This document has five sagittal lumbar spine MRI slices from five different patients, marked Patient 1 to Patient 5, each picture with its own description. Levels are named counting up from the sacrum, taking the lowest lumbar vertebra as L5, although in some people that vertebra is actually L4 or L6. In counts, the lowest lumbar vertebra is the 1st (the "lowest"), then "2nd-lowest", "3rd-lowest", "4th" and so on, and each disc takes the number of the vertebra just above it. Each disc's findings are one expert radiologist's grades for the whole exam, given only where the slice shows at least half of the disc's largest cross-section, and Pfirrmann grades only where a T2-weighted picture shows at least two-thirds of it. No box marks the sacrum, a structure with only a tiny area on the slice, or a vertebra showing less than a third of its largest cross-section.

Patient 1 of 5:
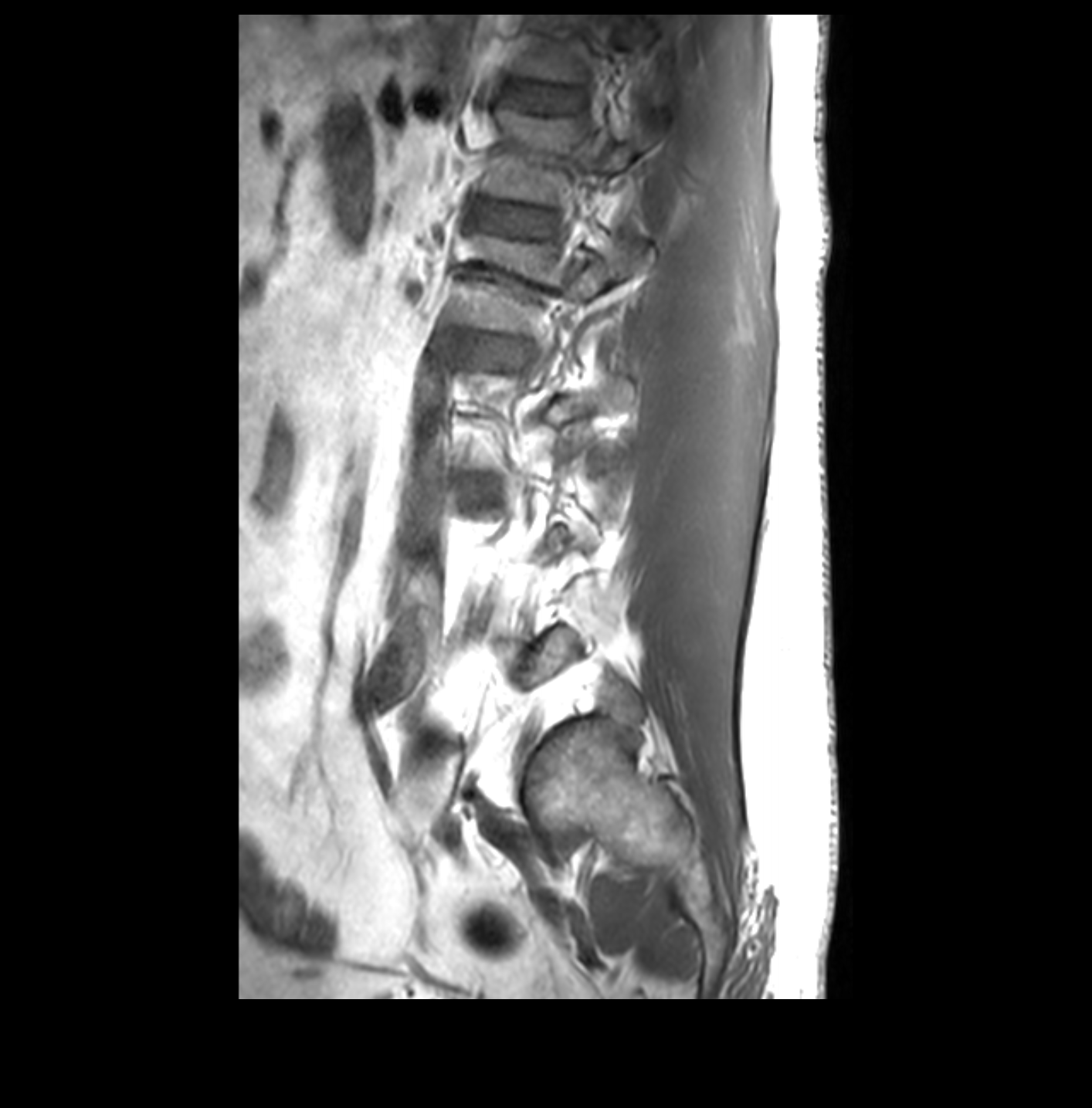 Patient sex: M, Lumbar spine MR, T1-weighted, sagittal, Slice 25/32, 1092x1108 px
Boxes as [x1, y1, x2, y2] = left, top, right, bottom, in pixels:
T12 at [517, 15, 651, 83].
L2 vertebra at [459, 236, 640, 334].
T12/L1 at [517, 86, 582, 110].
L1/L2 at [508, 209, 538, 226].
Disc L2/L3 at [491, 343, 514, 356].
L1 vertebra at [484, 109, 656, 205].

Patient 2 of 5:
Sagittal T2-weighted lumbar spine MRI; Sagittal slice index 9; Patient sex: M 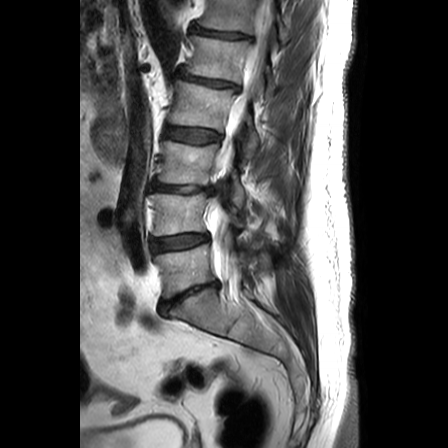
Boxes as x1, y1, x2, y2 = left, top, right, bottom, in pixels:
L1/L2: 175, 69, 238, 90
L5 vertebra: 154, 244, 268, 298
T12 vertebra: 198, 0, 290, 43
L4: 150, 194, 242, 235
IVD T12/L1: 192, 26, 250, 38
IVD L3/L4: 152, 182, 214, 193
IVD L5/S1: 157, 282, 218, 317
IVD L4/L5: 152, 235, 208, 251
L1 vertebra: 184, 35, 274, 99
L2: 168, 80, 258, 159
L3 vertebra: 158, 141, 245, 207
IVD L2/L3: 164, 127, 221, 143
thecal sac / spinal canal: 210, 0, 273, 280

Expert MSK radiologist gradings (per disc):
  L5/S1: Pfirrmann grade 5, disc narrowing, disc bulging
  L2/L3: Pfirrmann grade 2
  L1/L2: Pfirrmann grade 3, disc bulging, disc narrowing
  L3/L4: Pfirrmann grade 5, disc herniation, disc narrowing
  T12/L1: Pfirrmann grade 3, disc narrowing, disc bulging
  L4/L5: Pfirrmann grade 2, disc bulging

Patient 3 of 5:
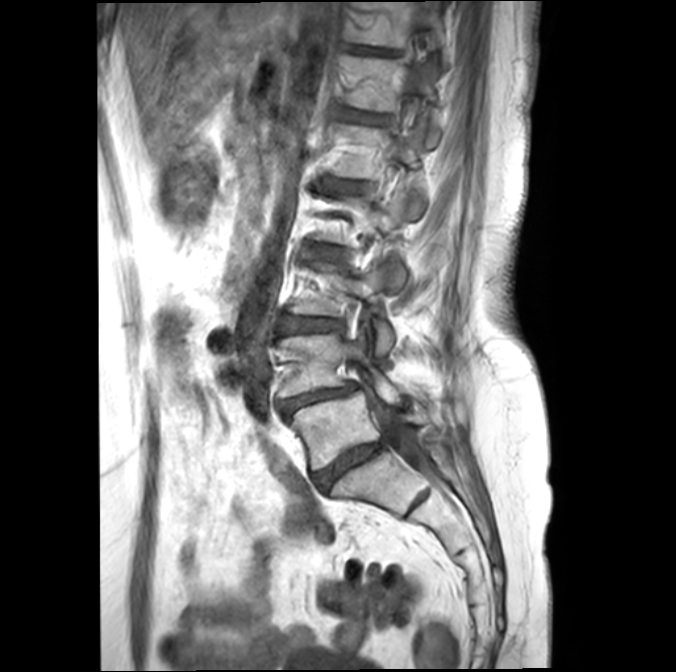

MRI lumbar spine (T1-weighted), sagittal plane
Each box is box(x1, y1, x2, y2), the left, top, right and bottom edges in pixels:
2nd-lowest disc at box(280, 384, 354, 413).
Lowest disc at box(315, 440, 385, 489).
Spinal canal at box(376, 401, 429, 472).
7th disc at box(353, 46, 396, 54).
7th vertebra at box(351, 0, 454, 65).
4th disc at box(309, 245, 343, 261).
2nd-lowest vertebra at box(279, 331, 398, 404).
Lowest vertebra at box(291, 390, 429, 468).
3rd-lowest disc at box(279, 316, 340, 333).
3rd-lowest vertebra at box(290, 262, 394, 354).
6th disc at box(345, 109, 385, 122).
5th vertebra at box(334, 118, 427, 217).
5th disc at box(333, 181, 362, 190).
6th vertebra at box(344, 55, 443, 146).

Expert MSK radiologist gradings (per disc):
• 7th disc: disc bulging, lower-endplate change, upper-endplate change
• 3rd-lowest disc: Modic type II, upper-endplate change, disc bulging, lower-endplate change
• 2nd-lowest disc: spondylolisthesis, Modic type II, disc narrowing, lower-endplate change, disc bulging
• lowest disc: disc narrowing, disc bulging, lower-endplate change, Modic type II

Patient 4 of 5:
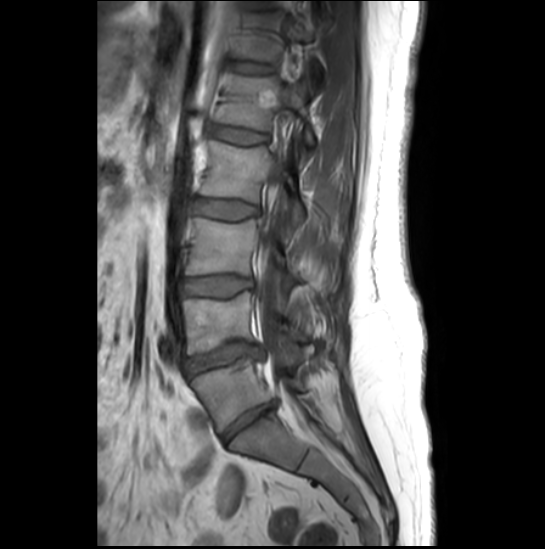

Lumbar spine MR, T1-weighted, sagittal; Slice 11/27

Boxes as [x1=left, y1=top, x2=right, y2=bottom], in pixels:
- spinal canal: [x1=254, y1=104, x2=296, y2=404]
- intervertebral disc T12/L1: [x1=231, y1=62, x2=274, y2=74]
- L2: [x1=199, y1=141, x2=304, y2=241]
- L4 vertebra: [x1=181, y1=292, x2=310, y2=354]
- L3 vertebra: [x1=186, y1=218, x2=338, y2=291]
- L5: [x1=191, y1=360, x2=304, y2=431]
- L1 vertebra: [x1=215, y1=74, x2=315, y2=145]
- intervertebral disc L2/L3: [x1=193, y1=200, x2=257, y2=219]
- intervertebral disc L3/L4: [x1=184, y1=277, x2=251, y2=296]
- L5/S1: [x1=223, y1=403, x2=273, y2=441]
- L4/L5: [x1=185, y1=343, x2=259, y2=374]
- intervertebral disc L1/L2: [x1=212, y1=126, x2=268, y2=144]
- T12: [x1=230, y1=11, x2=312, y2=61]

Per-level radiological findings:
  L4/L5: upper-endplate change, disc narrowing, lower-endplate change, disc herniation, Modic type II
  L5/S1: disc narrowing
  L2/L3, L3/L4, T12/L1, L1/L2: no Modic or endplate change, herniation, narrowing, bulging or spondylolisthesis recorded

Patient 5 of 5:
Patient sex: M. 548x553 px. Slice spacing 3.3 mm. Sagittal T2-weighted lumbar spine MRI. 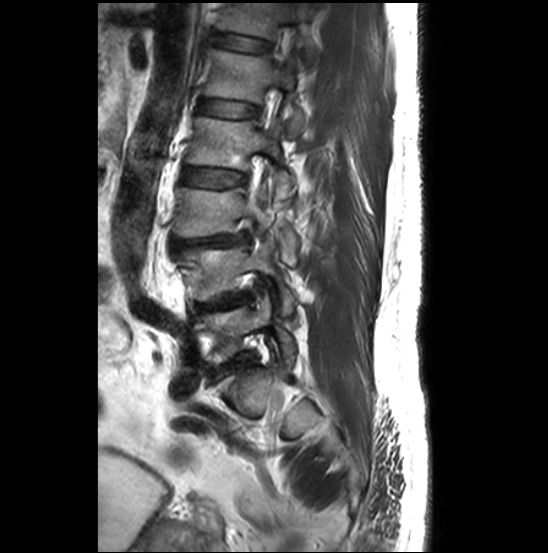

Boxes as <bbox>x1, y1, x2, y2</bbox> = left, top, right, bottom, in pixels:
L2 at <bbox>186, 117, 293, 199</bbox>.
L1 at <bbox>204, 50, 305, 135</bbox>.
L2/L3 at <bbox>182, 168, 245, 188</bbox>.
L3 at <bbox>171, 183, 299, 264</bbox>.
L4 vertebra at <bbox>176, 236, 294, 316</bbox>.
Intervertebral disc L4/L5 at <bbox>193, 293, 251, 313</bbox>.
Intervertebral disc L1/L2 at <bbox>198, 100, 257, 118</bbox>.
T12/L1 at <bbox>214, 34, 271, 52</bbox>.
Intervertebral disc L3/L4 at <bbox>171, 232, 250, 254</bbox>.
L5 at <bbox>196, 295, 296, 368</bbox>.
T12 vertebra at <bbox>217, 3, 315, 60</bbox>.
L5/S1 at <bbox>212, 353, 250, 378</bbox>.

Radiological gradings:
• L1/L2: Pfirrmann grade 2
• L2/L3: Pfirrmann grade 2
• T12/L1: Pfirrmann grade 2
• L4/L5: upper-endplate change, disc narrowing, Modic type II, lower-endplate change, disc bulging
• L3/L4: Pfirrmann grade 5, disc herniation, upper-endplate change, Modic type II, lower-endplate change, spondylolisthesis, disc narrowing